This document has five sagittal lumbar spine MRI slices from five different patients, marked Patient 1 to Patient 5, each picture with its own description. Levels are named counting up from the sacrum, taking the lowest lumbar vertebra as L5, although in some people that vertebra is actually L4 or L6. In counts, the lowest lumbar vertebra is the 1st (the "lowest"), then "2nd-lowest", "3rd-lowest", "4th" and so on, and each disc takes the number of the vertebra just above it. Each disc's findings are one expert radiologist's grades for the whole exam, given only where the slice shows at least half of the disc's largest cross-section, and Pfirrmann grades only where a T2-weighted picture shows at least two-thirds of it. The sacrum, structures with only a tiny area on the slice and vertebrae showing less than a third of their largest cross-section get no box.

Patient 1 of 5:
Sex F; Sagittal slice index 9; Sagittal T1-weighted lumbar spine MRI; Philips Healthcare Ingenia (3T)

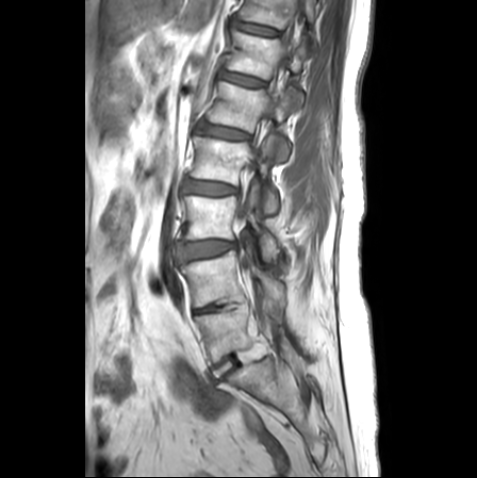

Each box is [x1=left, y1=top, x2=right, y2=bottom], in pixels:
disc L1/L2 at [x1=200, y1=123, x2=248, y2=138] | L1 vertebra at [x1=208, y1=82, x2=290, y2=161] | L4 vertebra at [x1=179, y1=237, x2=284, y2=307] | disc L2/L3 at [x1=184, y1=179, x2=238, y2=194] | thecal sac / spinal canal at [x1=237, y1=110, x2=272, y2=268] | L3/L4 at [x1=176, y1=241, x2=235, y2=261] | T12/L1 at [x1=221, y1=71, x2=263, y2=86] | L2 vertebra at [x1=191, y1=136, x2=280, y2=213] | L4/L5 at [x1=194, y1=304, x2=225, y2=313] | disc L5/S1 at [x1=211, y1=355, x2=242, y2=380] | T11/T12 at [x1=234, y1=21, x2=278, y2=35] | L5 vertebra at [x1=195, y1=304, x2=271, y2=364] | T11 vertebra at [x1=240, y1=0, x2=318, y2=54] | L3 at [x1=178, y1=183, x2=278, y2=261] | T12 vertebra at [x1=228, y1=30, x2=306, y2=107]

Degenerative findings by level:
• L1/L2: lower-endplate change, upper-endplate change
• L3/L4: Modic type II, lower-endplate change, disc bulging, upper-endplate change
• L4/L5: disc narrowing
• L2/L3: disc bulging, lower-endplate change, upper-endplate change
• T11/T12, L5/S1, T12/L1: no herniation, bulging, narrowing, spondylolisthesis, endplate or Modic change recorded

Patient 2 of 5:
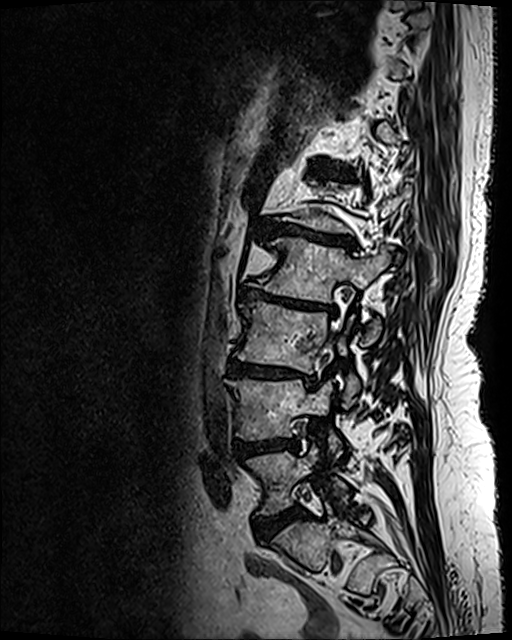 T2 SPACE (3D) sagittal MRI of the lumbar spine | Slice 79/120 | Field of view 240x300 mm, slice spacing 0.9 mm
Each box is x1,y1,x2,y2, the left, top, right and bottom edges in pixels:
- intervertebral disc L4/L5 (2nd-lowest disc) = 234,437,298,456
- L3 (3rd-lowest vertebra) = 235,301,359,405
- intervertebral disc L1/L2 (5th disc) = 266,223,353,247
- T12/L1 (6th disc) = 316,168,353,178
- intervertebral disc L3/L4 (3rd-lowest disc) = 227,360,316,385
- L4 (2nd-lowest vertebra) = 228,380,341,450
- L5/S1 (lowest disc) = 255,507,303,541
- L5 (lowest vertebra) = 247,446,347,513
- intervertebral disc L2/L3 (4th disc) = 240,287,335,314
- L2 (4th vertebra) = 249,239,392,342

Radiological gradings:
  L4/L5 (2nd-lowest disc): disc bulging, lower-endplate change, upper-endplate change
  L5/S1 (lowest disc): disc bulging
  L2/L3 (4th disc): disc bulging, lower-endplate change, Modic type II, disc narrowing, upper-endplate change
  L1/L2 (5th disc): Pfirrmann grade 5, disc narrowing, upper-endplate change, lower-endplate change, Modic type II, disc bulging
  L3/L4 (3rd-lowest disc): Pfirrmann grade 5, disc bulging, disc narrowing, Modic type II, upper-endplate change, lower-endplate change

Patient 3 of 5:
Patient sex: M | Image 320x320 | Sagittal T1-weighted lumbar spine MRI 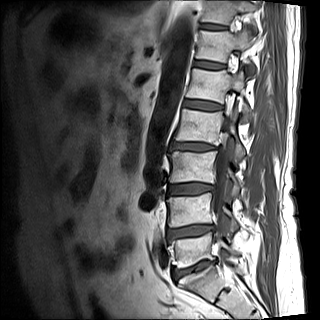

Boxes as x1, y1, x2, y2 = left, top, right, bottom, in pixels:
Structures:
• thecal sac / spinal canal: 213, 99, 232, 241
• T11/T12: 200, 23, 226, 29
• L1 vertebra: 186, 68, 252, 120
• L5 vertebra: 171, 232, 238, 268
• intervertebral disc L5/S1: 173, 260, 215, 279
• L4 vertebra: 167, 193, 238, 231
• T11: 201, 0, 256, 27
• L2: 174, 106, 244, 160
• L1/L2: 184, 100, 222, 110
• T12 vertebra: 195, 27, 253, 69
• T12/L1: 195, 61, 225, 69
• L3/L4: 168, 184, 213, 195
• L3: 169, 151, 239, 195
• L4/L5: 167, 225, 214, 238
• intervertebral disc L2/L3: 172, 143, 218, 150

Degenerative findings by level:
- L4/L5: disc narrowing, lower-endplate change, disc bulging, upper-endplate change, Modic type II
- L3/L4: Modic type II, disc bulging, upper-endplate change, lower-endplate change
- L2/L3: disc narrowing, disc bulging, upper-endplate change, lower-endplate change, Modic type II
- L5/S1: lower-endplate change, upper-endplate change, disc bulging, Modic type II, disc narrowing
- T12/L1, T11/T12, L1/L2: no spondylolisthesis, narrowing, bulging, herniation, Modic or endplate change recorded

Patient 4 of 5:
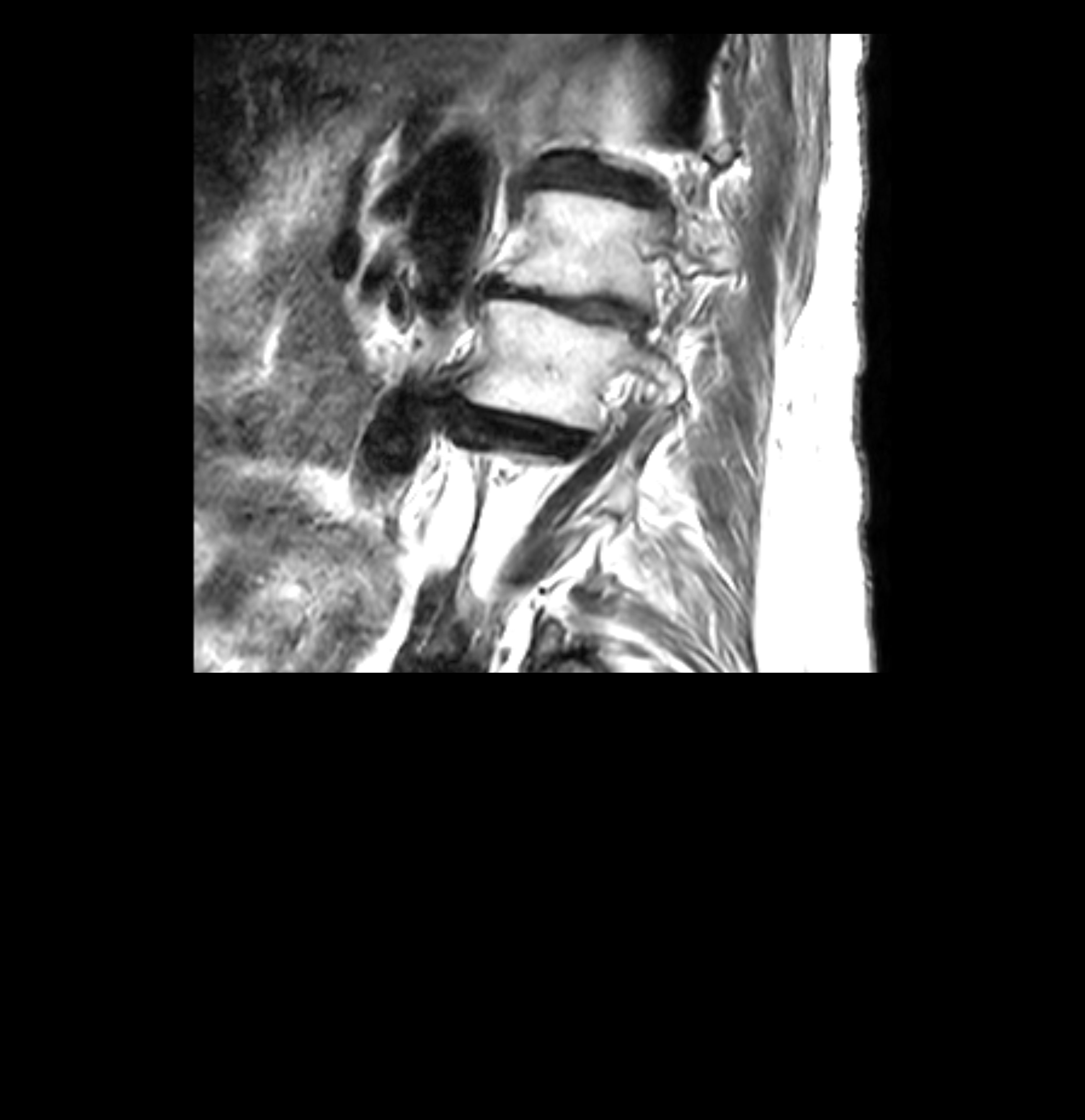 Sex F | Slice 31/41 | Sagittal T2-weighted lumbar spine MRI | Field of view 280x289 mm, slice spacing 3.4 mm
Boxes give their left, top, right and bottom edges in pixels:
L1 (5th vertebra) at left=501, top=190, right=736, bottom=306.
Intervertebral disc L2/L3 (4th disc) at left=450, top=402, right=591, bottom=460.
L2 (4th vertebra) at left=463, top=300, right=680, bottom=430.
Intervertebral disc T12/L1 (6th disc) at left=526, top=165, right=658, bottom=207.
L1/L2 (5th disc) at left=487, top=277, right=641, bottom=325.

Radiological gradings:
  L2/L3 (4th disc): Pfirrmann grade 5, disc narrowing, disc bulging, upper-endplate change, Modic type II, lower-endplate change
  T12/L1 (6th disc): Pfirrmann grade 5, disc bulging, lower-endplate change, upper-endplate change, Modic type II, disc narrowing
  L1/L2 (5th disc): Pfirrmann grade 5, disc narrowing, Modic type II, lower-endplate change, disc bulging, upper-endplate change

Patient 5 of 5:
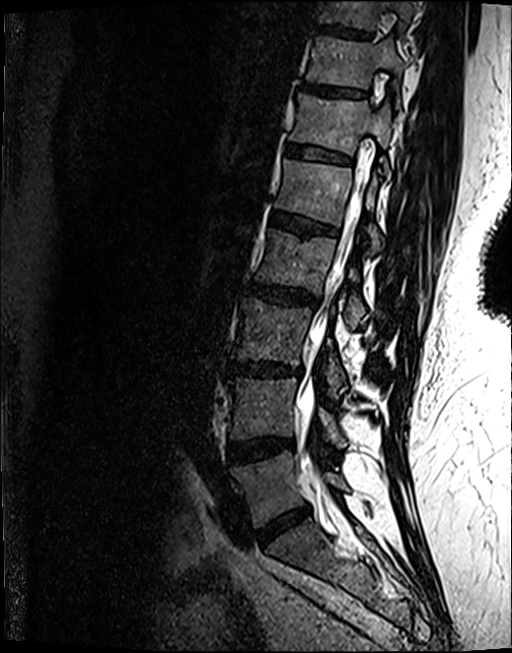 Lumbar spine MR, T2 SPACE (3D), sagittal

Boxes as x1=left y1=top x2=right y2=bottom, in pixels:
{"L4": "x1=228 y1=377 x2=347 y2=449", "L5 vertebra": "x1=230 y1=451 x2=349 y2=527", "L1 vertebra": "x1=275 y1=158 x2=381 y2=252", "T11": "x1=307 y1=35 x2=406 y2=105", "T10": "x1=318 y1=0 x2=414 y2=29", "IVD T11/T12": "x1=301 y1=81 x2=366 y2=96", "IVD L2/L3": "x1=247 y1=282 x2=319 y2=306", "T12/L1": "x1=286 y1=143 x2=352 y2=162", "IVD L3/L4": "x1=229 y1=361 x2=302 y2=376", "T12": "x1=290 y1=93 x2=396 y2=165", "IVD L5/S1": "x1=258 y1=506 x2=309 y2=544", "L2 vertebra": "x1=255 y1=228 x2=366 y2=329", "L3 vertebra": "x1=234 y1=297 x2=346 y2=398", "IVD L1/L2": "x1=271 y1=211 x2=337 y2=234", "IVD L4/L5": "x1=227 y1=437 x2=293 y2=462", "thecal sac / spinal canal": "x1=297 y1=169 x2=365 y2=488", "T10/T11": "x1=317 y1=24 x2=371 y2=37"}

Degenerative findings by level:
  T10/T11: Pfirrmann grade 4, upper-endplate change, lower-endplate change
  T12/L1: Pfirrmann grade 3, upper-endplate change, lower-endplate change
  L4/L5: Pfirrmann grade 4, lower-endplate change, disc bulging, Modic type II
  L3/L4: Pfirrmann grade 4, upper-endplate change, Modic type II, disc bulging, lower-endplate change, disc narrowing
  L2/L3: Pfirrmann grade 4, upper-endplate change, disc bulging, lower-endplate change
  L1/L2: Pfirrmann grade 4, lower-endplate change, Modic type II, upper-endplate change
  L5/S1: Pfirrmann grade 4, disc bulging, disc narrowing
  T11/T12: Pfirrmann grade 4, upper-endplate change